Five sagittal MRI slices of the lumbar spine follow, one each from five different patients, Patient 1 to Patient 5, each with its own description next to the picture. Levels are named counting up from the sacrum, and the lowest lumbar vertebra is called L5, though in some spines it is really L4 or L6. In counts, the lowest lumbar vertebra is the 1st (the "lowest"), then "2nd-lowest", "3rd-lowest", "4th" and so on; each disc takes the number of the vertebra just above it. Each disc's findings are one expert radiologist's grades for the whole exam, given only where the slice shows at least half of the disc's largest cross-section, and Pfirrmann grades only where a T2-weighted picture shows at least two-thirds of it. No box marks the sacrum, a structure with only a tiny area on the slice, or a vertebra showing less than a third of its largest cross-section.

Patient 1 of 5:
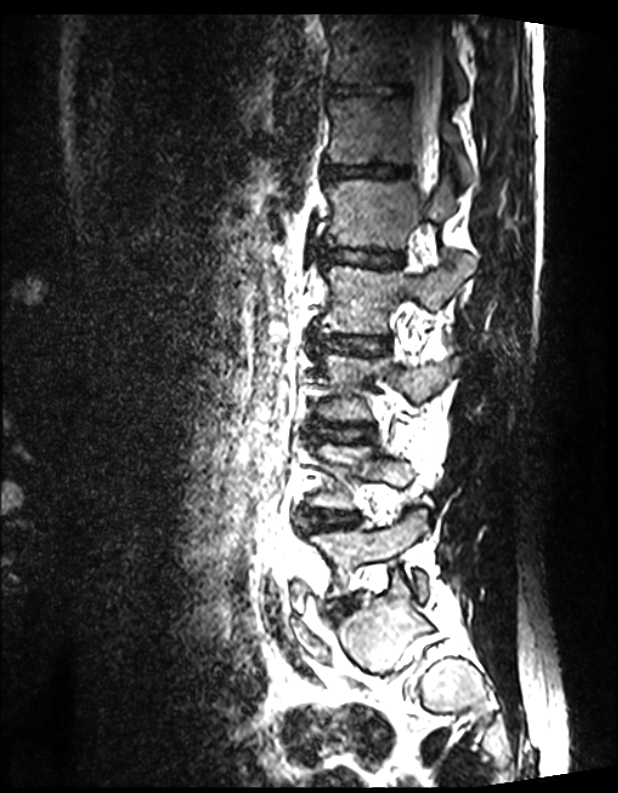 Slice 93/144. MRI lumbar spine (T2 SPACE (3D)), sagittal plane.
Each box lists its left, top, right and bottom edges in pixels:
Annotations:
• 7th vertebra: left=328, top=14, right=468, bottom=100
• 4th vertebra: left=322, top=257, right=475, bottom=334
• 5th vertebra: left=328, top=176, right=457, bottom=247
• lowest disc: left=333, top=600, right=353, bottom=615
• 7th disc: left=328, top=83, right=408, bottom=97
• lowest vertebra: left=315, top=512, right=427, bottom=598
• 2nd-lowest disc: left=309, top=512, right=355, bottom=527
• 3rd-lowest disc: left=322, top=424, right=366, bottom=441
• 4th disc: left=323, top=336, right=387, bottom=354
• 6th disc: left=323, top=165, right=408, bottom=179
• spinal canal: left=409, top=20, right=441, bottom=189
• 6th vertebra: left=328, top=97, right=469, bottom=180
• 5th disc: left=316, top=246, right=400, bottom=267

Degenerative findings by level:
• 5th disc: Pfirrmann grade 1
• 6th disc: Pfirrmann grade 1
• 7th disc: Pfirrmann grade 1
• 4th disc: no Modic or endplate change, herniation, narrowing, bulging or spondylolisthesis recorded

Patient 2 of 5:
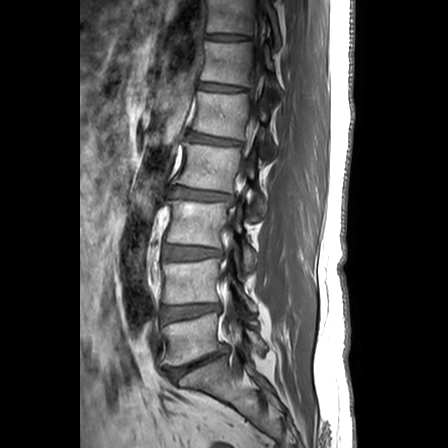

Lumbar spine MR, T1-weighted, sagittal
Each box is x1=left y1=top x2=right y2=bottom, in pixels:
L2/L3: x1=173 y1=187 x2=233 y2=202 | disc L5/S1: x1=168 y1=345 x2=228 y2=380 | T11: x1=207 y1=0 x2=281 y2=48 | L4 vertebra: x1=163 y1=251 x2=257 y2=311 | disc L3/L4: x1=165 y1=246 x2=221 y2=260 | T12 vertebra: x1=201 y1=41 x2=283 y2=94 | L1/L2: x1=188 y1=133 x2=240 y2=144 | T12/L1: x1=200 y1=82 x2=243 y2=91 | L5: x1=161 y1=312 x2=266 y2=369 | L4/L5: x1=164 y1=304 x2=220 y2=322 | L2 vertebra: x1=175 y1=142 x2=266 y2=221 | T11/T12: x1=206 y1=34 x2=248 y2=40 | L3 vertebra: x1=167 y1=199 x2=257 y2=271 | L1: x1=192 y1=92 x2=277 y2=162

Per-level radiological findings:
- L4/L5: disc narrowing, disc bulging
- L5/S1: disc bulging, spondylolisthesis, disc herniation, lower-endplate change, Modic type II, upper-endplate change, disc narrowing
- L3/L4: disc bulging
- L2/L3: disc bulging
- L1/L2: disc bulging, upper-endplate change, lower-endplate change, Modic type II
- T11/T12, T12/L1: no Modic or endplate change, herniation, narrowing, bulging or spondylolisthesis recorded

Patient 3 of 5:
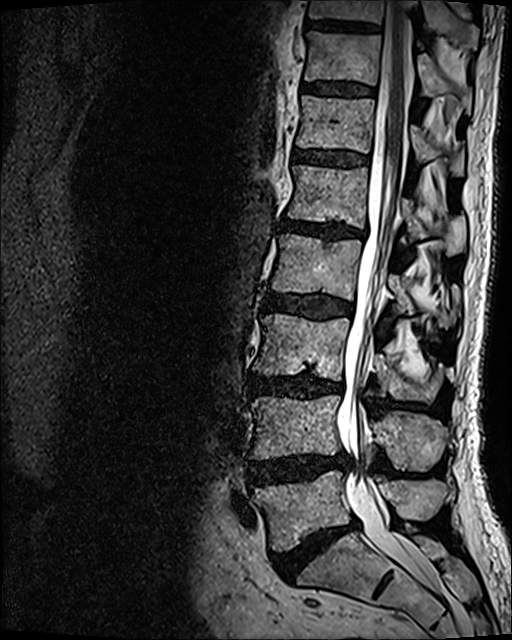
Sagittal slice index 65, Sagittal T2 SPACE (3D) lumbar spine MRI
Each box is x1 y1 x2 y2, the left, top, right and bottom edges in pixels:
L4/L5: 247 455 348 487
L4 vertebra: 250 395 447 471
T11: 304 32 471 110
L1: 288 164 466 255
T12: 296 95 464 176
T10: 309 0 477 51
intervertebral disc L2/L3: 262 291 352 319
spinal canal: 337 1 435 586
L3/L4: 248 374 344 398
L5 vertebra: 254 471 441 551
L1/L2: 278 218 364 238
L2: 272 233 459 327
intervertebral disc T10/T11: 305 19 377 32
L3 vertebra: 253 313 444 400
L5/S1: 271 521 360 581
T12/L1: 293 150 367 166
intervertebral disc T11/T12: 303 84 373 96

Degenerative findings by level:
• L1/L2: Pfirrmann grade 4, disc narrowing, Modic type II, upper-endplate change, lower-endplate change, disc bulging
• L2/L3: Pfirrmann grade 3, disc bulging
• L3/L4: Pfirrmann grade 4, lower-endplate change, disc bulging, disc narrowing, Modic type II
• L4/L5: Pfirrmann grade 4, disc bulging, disc herniation
• T11/T12: Pfirrmann grade 3
• L5/S1: Pfirrmann grade 5, disc narrowing, lower-endplate change, Modic type II, disc bulging
• T12/L1: Pfirrmann grade 3

Patient 4 of 5:
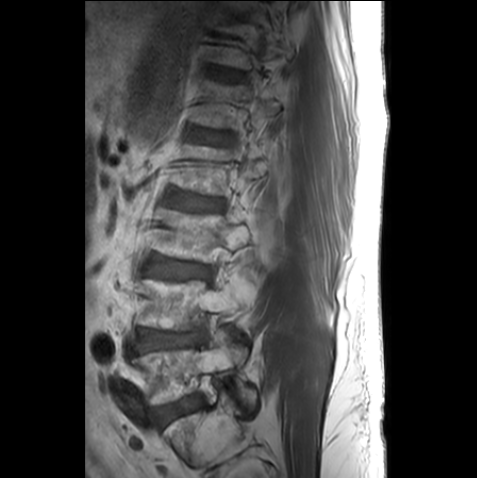
477x478 px; Sex M; Lumbar spine MR, T1-weighted, sagittal
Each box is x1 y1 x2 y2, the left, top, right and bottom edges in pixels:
5th vertebra at 197 81 281 128, 4th disc at 174 195 223 210, 4th vertebra at 176 145 267 195, 3rd-lowest vertebra at 154 210 250 262, lowest vertebra at 131 333 255 405, 2nd-lowest vertebra at 140 278 251 330, 2nd-lowest disc at 139 331 200 348, lowest disc at 157 398 192 423, 5th disc at 195 128 231 147, 3rd-lowest disc at 152 260 209 278.

Patient 5 of 5:
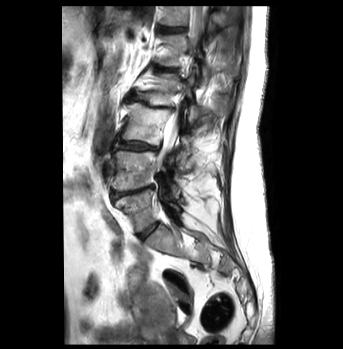 Field of view 285x291 mm, slice spacing 3.2 mm. Sex F. Sagittal T2-weighted lumbar spine MRI.

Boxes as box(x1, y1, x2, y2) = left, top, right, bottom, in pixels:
Spinal canal = box(158, 6, 206, 163).
L5 (lowest vertebra) = box(115, 190, 180, 232).
Intervertebral disc T12/L1 (6th disc) = box(157, 25, 187, 33).
L2 (4th vertebra) = box(137, 73, 224, 122).
L4/L5 (2nd-lowest disc) = box(111, 185, 153, 200).
Intervertebral disc L2/L3 (4th disc) = box(127, 94, 173, 110).
Intervertebral disc L3/L4 (3rd-lowest disc) = box(113, 138, 157, 152).
Intervertebral disc L5/S1 (lowest disc) = box(139, 223, 157, 238).
L4 (2nd-lowest vertebra) = box(112, 150, 178, 197).
T12 (6th vertebra) = box(160, 6, 225, 26).
L1 (5th vertebra) = box(154, 33, 229, 85).
Intervertebral disc L1/L2 (5th disc) = box(153, 64, 177, 72).
L3 (3rd-lowest vertebra) = box(120, 103, 191, 158).

Radiological gradings:
• T12/L1 (6th disc): Pfirrmann grade 1, upper-endplate change
• L3/L4 (3rd-lowest disc): Pfirrmann grade 3, Modic type II, disc bulging
• L4/L5 (2nd-lowest disc): disc narrowing, lower-endplate change, disc bulging, Modic type II